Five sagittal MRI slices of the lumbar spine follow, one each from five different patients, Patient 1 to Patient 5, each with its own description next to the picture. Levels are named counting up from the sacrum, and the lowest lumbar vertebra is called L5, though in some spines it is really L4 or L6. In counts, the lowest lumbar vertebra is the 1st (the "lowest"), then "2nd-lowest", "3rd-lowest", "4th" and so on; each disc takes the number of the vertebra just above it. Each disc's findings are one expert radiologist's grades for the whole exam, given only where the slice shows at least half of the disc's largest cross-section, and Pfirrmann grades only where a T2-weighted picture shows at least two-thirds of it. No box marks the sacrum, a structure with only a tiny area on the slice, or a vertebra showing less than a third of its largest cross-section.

Patient 1 of 5:
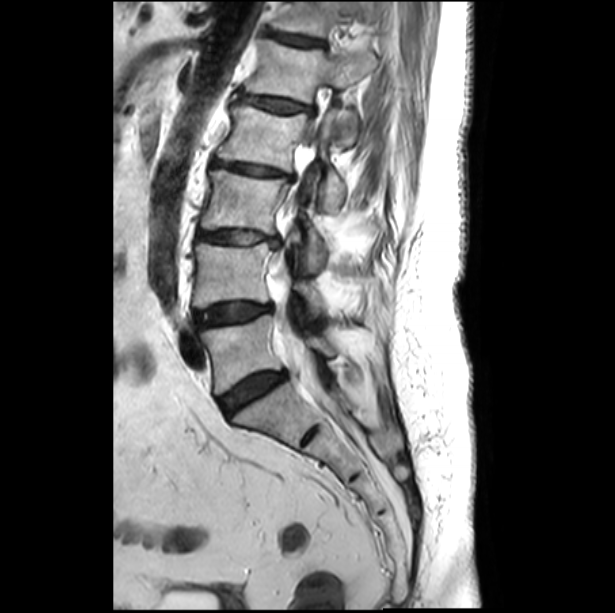

Lumbar spine MR, T2-weighted, sagittal
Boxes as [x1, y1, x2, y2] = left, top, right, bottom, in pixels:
L2/L3 (4th disc) at [212, 159, 293, 179], T12/L1 (6th disc) at [270, 33, 323, 46], L3 (3rd-lowest vertebra) at [201, 169, 328, 271], IVD L5/S1 (lowest disc) at [220, 371, 285, 415], L4 (2nd-lowest vertebra) at [192, 242, 323, 311], L5 (lowest vertebra) at [200, 314, 334, 393], IVD L4/L5 (2nd-lowest disc) at [194, 302, 271, 327], T12 (6th vertebra) at [273, 2, 376, 37], L3/L4 (3rd-lowest disc) at [198, 231, 279, 246], L1 (5th vertebra) at [244, 40, 375, 144], IVD L1/L2 (5th disc) at [240, 94, 311, 113], L2 (4th vertebra) at [217, 105, 345, 211], thecal sac / spinal canal at [270, 127, 317, 345].

Per-level radiological findings:
- L2/L3 (4th disc): Pfirrmann grade 3, lower-endplate change, Modic type II, disc bulging, disc narrowing, upper-endplate change
- L3/L4 (3rd-lowest disc): Pfirrmann grade 3, disc bulging, Modic type II, disc narrowing, upper-endplate change, lower-endplate change
- L5/S1 (lowest disc): Pfirrmann grade 4, disc bulging
- L1/L2 (5th disc): Pfirrmann grade 3, upper-endplate change, Modic type II, lower-endplate change, disc bulging
- L4/L5 (2nd-lowest disc): Pfirrmann grade 4, disc bulging
- T12/L1 (6th disc): Pfirrmann grade 3, Modic type II, disc bulging, upper-endplate change, lower-endplate change

Patient 2 of 5:
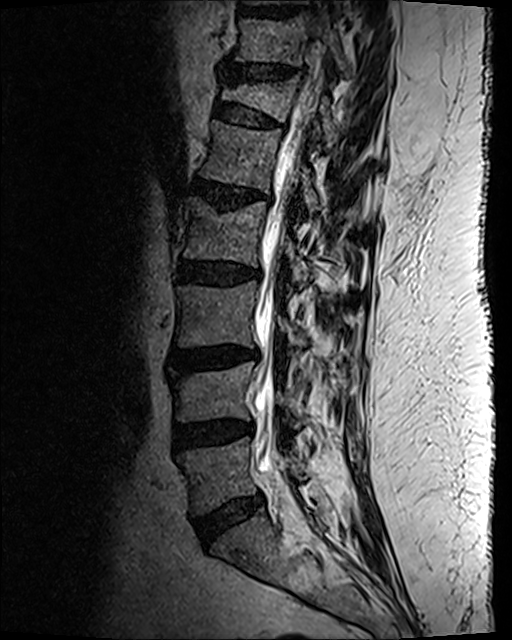 Field of view 240x300 mm. Slice 68 of 120. Lumbar spine MR, T2 SPACE (3D), sagittal. Patient sex: M.

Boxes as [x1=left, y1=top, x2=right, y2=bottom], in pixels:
L5 (lowest vertebra) at [x1=178, y1=437, x2=306, y2=515].
Disc L4/L5 (2nd-lowest disc) at [x1=174, y1=422, x2=251, y2=450].
L2/L3 (4th disc) at [x1=178, y1=261, x2=259, y2=286].
L2 (4th vertebra) at [x1=184, y1=198, x2=312, y2=287].
T12 (6th vertebra) at [x1=221, y1=75, x2=340, y2=149].
Disc T12/L1 (6th disc) at [x1=213, y1=103, x2=280, y2=128].
T11 (7th vertebra) at [x1=234, y1=14, x2=349, y2=77].
L3/L4 (3rd-lowest disc) at [x1=175, y1=349, x2=258, y2=373].
L3 (3rd-lowest vertebra) at [x1=176, y1=282, x2=305, y2=355].
Thecal sac / spinal canal at [x1=254, y1=40, x2=324, y2=477].
Disc L5/S1 (lowest disc) at [x1=195, y1=494, x2=264, y2=546].
Disc L1/L2 (5th disc) at [x1=191, y1=180, x2=256, y2=209].
L4 (2nd-lowest vertebra) at [x1=170, y1=363, x2=303, y2=426].
Disc T11/T12 (7th disc) at [x1=228, y1=65, x2=298, y2=81].
L1 (5th vertebra) at [x1=200, y1=120, x2=321, y2=214].
Disc T10/T11 (8th disc) at [x1=240, y1=9, x2=299, y2=19].

Expert MSK radiologist gradings (per disc):
- L5/S1 (lowest disc): Pfirrmann grade 2, disc bulging
- L4/L5 (2nd-lowest disc): Pfirrmann grade 3, disc narrowing, disc bulging
- T12/L1 (6th disc): Pfirrmann grade 2, upper-endplate change, spondylolisthesis, lower-endplate change, disc bulging
- L2/L3 (4th disc): Pfirrmann grade 3, lower-endplate change, disc bulging
- L3/L4 (3rd-lowest disc): Pfirrmann grade 3, Modic type II, lower-endplate change, upper-endplate change, disc bulging
- L1/L2 (5th disc): Pfirrmann grade 3, Modic type II, upper-endplate change, disc bulging, lower-endplate change, disc narrowing
- T11/T12 (7th disc): Pfirrmann grade 2, lower-endplate change, disc narrowing, disc bulging, upper-endplate change

Patient 3 of 5:
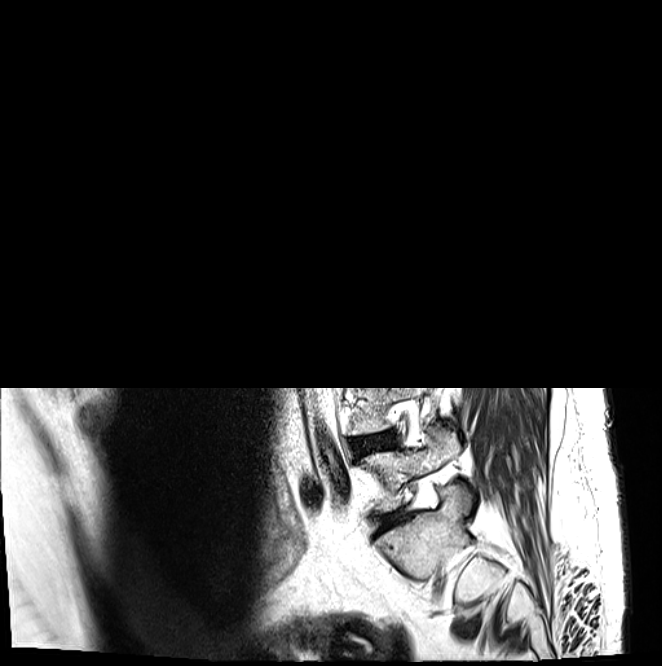 Lumbar spine MR, T2-weighted, sagittal | Slice 2 of 21 | Sex M
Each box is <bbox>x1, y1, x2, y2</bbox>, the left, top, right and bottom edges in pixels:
L5 vertebra at <bbox>365, 424, 459, 512</bbox>.
L4/L5 at <bbox>353, 432, 396, 454</bbox>.
L5/S1 at <bbox>382, 510, 403, 527</bbox>.

Patient 4 of 5:
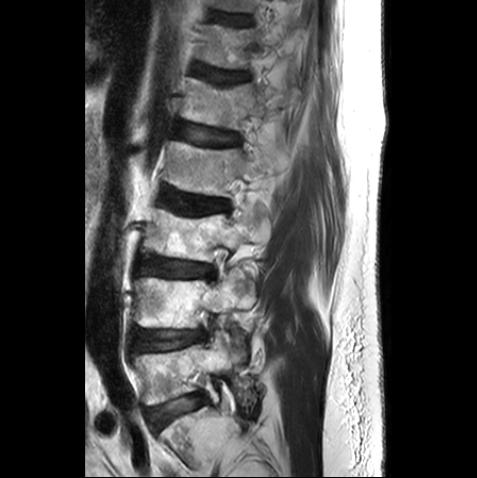

MRI lumbar spine (T2-weighted), sagittal plane | 477x478 px
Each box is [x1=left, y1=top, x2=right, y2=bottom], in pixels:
T12 (6th vertebra) at [x1=203, y1=24, x2=297, y2=68], L3 (3rd-lowest vertebra) at [x1=143, y1=209, x2=265, y2=262], L1 (5th vertebra) at [x1=184, y1=78, x2=297, y2=129], IVD L1/L2 (5th disc) at [x1=181, y1=124, x2=238, y2=145], IVD L5/S1 (lowest disc) at [x1=147, y1=395, x2=201, y2=427], IVD T11/T12 (7th disc) at [x1=220, y1=14, x2=245, y2=24], L2/L3 (4th disc) at [x1=163, y1=187, x2=228, y2=214], T12/L1 (6th disc) at [x1=197, y1=68, x2=247, y2=84], L4 (2nd-lowest vertebra) at [x1=134, y1=268, x2=254, y2=345], L5 (lowest vertebra) at [x1=132, y1=332, x2=246, y2=405], IVD L4/L5 (2nd-lowest disc) at [x1=133, y1=331, x2=205, y2=351], IVD L3/L4 (3rd-lowest disc) at [x1=138, y1=255, x2=213, y2=276], L2 (4th vertebra) at [x1=164, y1=142, x2=283, y2=196].

Radiological gradings:
  L2/L3 (4th disc): Pfirrmann grade 3, upper-endplate change
  L4/L5 (2nd-lowest disc): lower-endplate change
  L1/L2 (5th disc): Pfirrmann grade 3
  L3/L4 (3rd-lowest disc): no Modic or endplate change, herniation, narrowing, bulging or spondylolisthesis recorded

Patient 5 of 5:
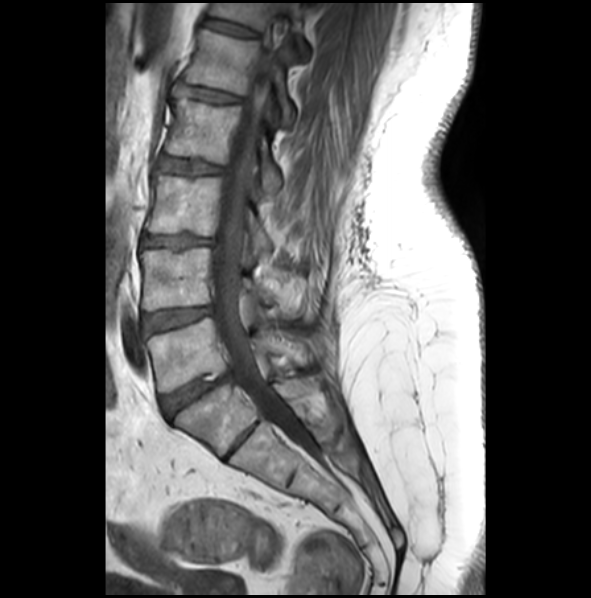
MRI lumbar spine (T1-weighted), sagittal plane; 591x598 px; Slice 13/28; Field of view 280x283 mm, slice spacing 3.3 mm

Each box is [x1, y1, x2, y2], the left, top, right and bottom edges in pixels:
L4 at [139, 248, 291, 316].
L5/S1 at [161, 371, 231, 417].
L2 at [165, 99, 281, 189].
L2/L3 at [158, 156, 218, 174].
L5 at [148, 317, 281, 391].
L1/L2 at [179, 84, 237, 102].
L3/L4 at [141, 234, 211, 247].
L1 vertebra at [186, 29, 293, 125].
T12 vertebra at [210, 2, 309, 58].
L3 at [146, 174, 272, 254].
Thecal sac / spinal canal at [211, 29, 300, 440].
T12/L1 at [205, 19, 255, 36].
Intervertebral disc L4/L5 at [141, 307, 210, 334].

Per-level radiological findings:
• L3/L4: upper-endplate change, lower-endplate change, Modic type II, disc bulging, disc narrowing
• L4/L5: disc bulging
• L5/S1: upper-endplate change, disc bulging, lower-endplate change
• L1/L2, L2/L3, T12/L1: no Modic or endplate change, herniation, narrowing, bulging or spondylolisthesis recorded